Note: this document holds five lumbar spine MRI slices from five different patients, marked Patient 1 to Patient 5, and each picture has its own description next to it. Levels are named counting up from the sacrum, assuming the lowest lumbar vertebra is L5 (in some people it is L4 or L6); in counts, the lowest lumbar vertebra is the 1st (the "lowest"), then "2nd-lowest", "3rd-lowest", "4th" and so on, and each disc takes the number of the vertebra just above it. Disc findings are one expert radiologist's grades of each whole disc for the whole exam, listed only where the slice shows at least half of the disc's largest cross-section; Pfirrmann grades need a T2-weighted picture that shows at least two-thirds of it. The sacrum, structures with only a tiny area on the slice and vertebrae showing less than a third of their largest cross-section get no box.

Patient 1 of 5:
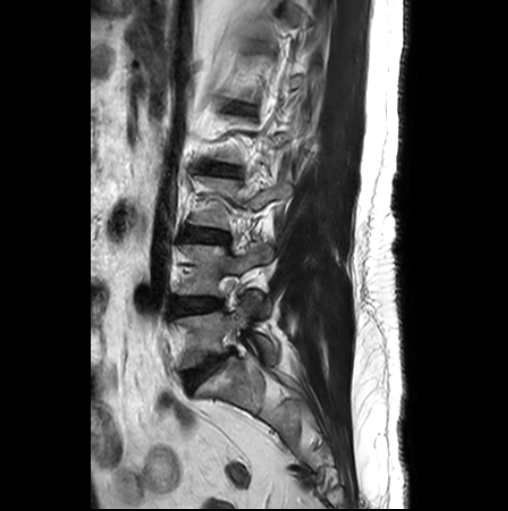
508x511 px, Patient sex: M, MRI lumbar spine (T2-weighted), sagittal plane
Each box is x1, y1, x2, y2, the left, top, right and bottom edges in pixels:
L3 (3rd-lowest vertebra) at 189, 176, 292, 229.
Disc L5/S1 (lowest disc) at 185, 351, 232, 390.
L4 (2nd-lowest vertebra) at 179, 244, 272, 310.
L2/L3 (4th disc) at 204, 164, 237, 174.
L4/L5 (2nd-lowest disc) at 175, 298, 220, 313.
L5 (lowest vertebra) at 179, 293, 275, 368.
Disc L3/L4 (3rd-lowest disc) at 184, 228, 228, 243.

Degenerative findings by level:
• L3/L4 (3rd-lowest disc): no Modic or endplate change, herniation, narrowing, bulging or spondylolisthesis recorded

Patient 2 of 5:
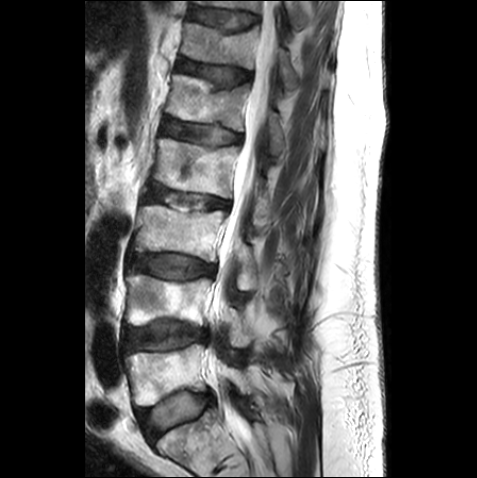 477x478 px; Sex M; MRI lumbar spine (T2-weighted), sagittal plane

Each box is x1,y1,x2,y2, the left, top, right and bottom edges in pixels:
- lowest vertebra at 124,343,248,405
- 2nd-lowest vertebra at 126,271,252,347
- 4th disc at 146,186,229,211
- lowest disc at 137,392,211,440
- 6th vertebra at 181,23,297,93
- 2nd-lowest disc at 126,322,206,350
- spinal canal at 209,0,280,433
- 4th vertebra at 154,138,271,229
- 5th vertebra at 166,73,285,155
- 7th disc at 189,7,258,29
- 7th vertebra at 195,0,306,29
- 3rd-lowest disc at 132,255,214,278
- 3rd-lowest vertebra at 132,205,258,290
- 6th disc at 178,59,250,86
- 5th disc at 163,120,242,144

Degenerative findings by level:
  2nd-lowest disc: Pfirrmann grade 2, lower-endplate change
  6th disc: Pfirrmann grade 3, upper-endplate change
  7th disc: Pfirrmann grade 2
  5th disc: Pfirrmann grade 3
  3rd-lowest disc: Pfirrmann grade 2
  lowest disc: Pfirrmann grade 1
  4th disc: Pfirrmann grade 3, upper-endplate change

Patient 3 of 5:
Slice 9/15 | Sagittal T2-weighted lumbar spine MRI | Patient sex: F

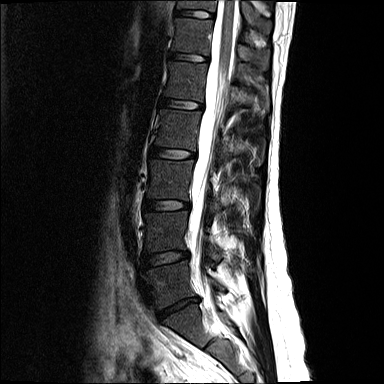
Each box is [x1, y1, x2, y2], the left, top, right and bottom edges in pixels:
5th vertebra at [165, 62, 269, 113].
6th vertebra at [173, 18, 269, 70].
2nd-lowest disc at [144, 251, 188, 266].
6th disc at [169, 52, 207, 61].
3rd-lowest disc at [144, 199, 189, 209].
3rd-lowest vertebra at [146, 160, 259, 211].
Thecal sac / spinal canal at [188, 0, 238, 280].
Lowest disc at [159, 298, 197, 317].
7th vertebra at [177, 0, 271, 33].
7th disc at [177, 10, 213, 18].
2nd-lowest vertebra at [145, 211, 221, 260].
5th disc at [161, 98, 202, 108].
4th disc at [151, 146, 194, 158].
Lowest vertebra at [147, 261, 224, 309].
4th vertebra at [156, 109, 264, 165].

Per-level radiological findings:
  4th disc: Pfirrmann grade 2
  7th disc: Pfirrmann grade 2
  lowest disc: Pfirrmann grade 5, disc herniation, disc narrowing
  2nd-lowest disc: Pfirrmann grade 2, disc bulging
  6th disc: Pfirrmann grade 2
  5th disc: Pfirrmann grade 2
  3rd-lowest disc: Pfirrmann grade 2

Patient 4 of 5:
Field of view 280x280 mm | Slice 18/24 | Lumbar spine MR, T2-weighted, sagittal
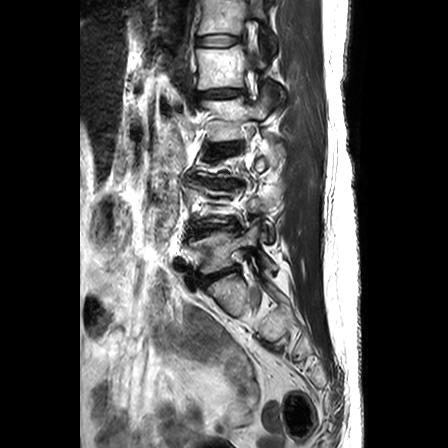 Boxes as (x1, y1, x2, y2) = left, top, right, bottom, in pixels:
IVD L5/S1 at (200, 266, 240, 285), IVD L3/L4 at (201, 180, 235, 187), L1/L2 at (195, 88, 245, 98), L5 at (189, 220, 275, 274), L2 at (199, 82, 274, 141), L1 at (197, 44, 284, 101), IVD L4/L5 at (192, 221, 240, 236), L2/L3 at (206, 142, 240, 159), T12 vertebra at (198, 0, 274, 51), IVD T12/L1 at (196, 34, 241, 45), thecal sac / spinal canal at (248, 35, 255, 52).

Per-level radiological findings:
- L2/L3: Pfirrmann grade 3, upper-endplate change, disc narrowing, disc bulging, lower-endplate change
- L4/L5: disc bulging, lower-endplate change, Modic type II, disc narrowing, upper-endplate change
- T12/L1: Pfirrmann grade 1
- L1/L2: Pfirrmann grade 2, disc bulging

Patient 5 of 5:
MRI lumbar spine (T2 SPACE (3D)), sagittal plane; Patient sex: M

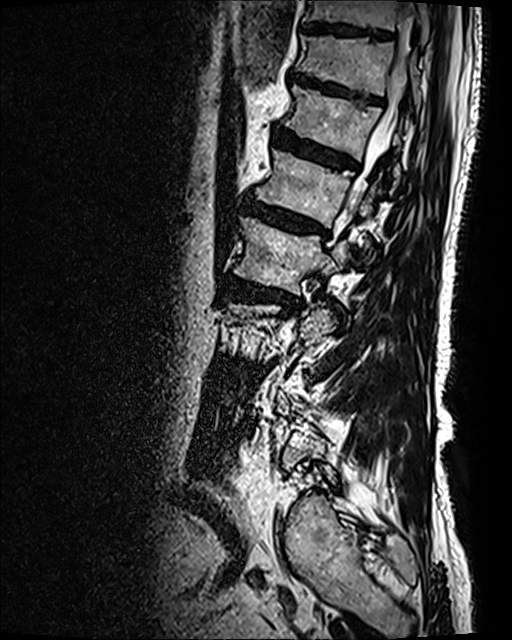 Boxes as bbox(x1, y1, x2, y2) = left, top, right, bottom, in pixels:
Segmented structures:
• 4th disc at bbox(225, 274, 298, 309)
• 8th vertebra at bbox(305, 0, 429, 46)
• 7th vertebra at bbox(297, 36, 421, 109)
• 7th disc at bbox(290, 69, 383, 104)
• 8th disc at bbox(302, 22, 392, 39)
• 5th vertebra at bbox(256, 151, 375, 249)
• 6th vertebra at bbox(284, 86, 405, 178)
• 6th disc at bbox(273, 126, 359, 170)
• 5th disc at bbox(244, 199, 328, 236)
• 4th vertebra at bbox(234, 217, 348, 294)
• thecal sac / spinal canal at bbox(349, 53, 408, 207)

Degenerative findings by level:
• 6th disc: Pfirrmann grade 4, Modic type II, disc bulging, upper-endplate change, lower-endplate change
• 7th disc: Pfirrmann grade 4, disc bulging, lower-endplate change, upper-endplate change
• 8th disc: Pfirrmann grade 3
• 4th disc: Pfirrmann grade 4, disc narrowing, disc bulging, upper-endplate change, Modic type I, lower-endplate change
• 5th disc: Pfirrmann grade 4, lower-endplate change, upper-endplate change, Modic type II, disc bulging